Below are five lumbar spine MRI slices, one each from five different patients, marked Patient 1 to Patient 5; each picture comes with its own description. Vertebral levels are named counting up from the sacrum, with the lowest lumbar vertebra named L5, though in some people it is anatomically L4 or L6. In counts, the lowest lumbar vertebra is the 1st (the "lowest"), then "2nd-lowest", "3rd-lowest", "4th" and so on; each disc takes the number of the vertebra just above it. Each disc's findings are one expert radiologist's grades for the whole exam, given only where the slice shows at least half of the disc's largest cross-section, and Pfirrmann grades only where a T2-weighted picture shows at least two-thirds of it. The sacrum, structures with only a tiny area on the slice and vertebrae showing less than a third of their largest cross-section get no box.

Patient 1 of 5:
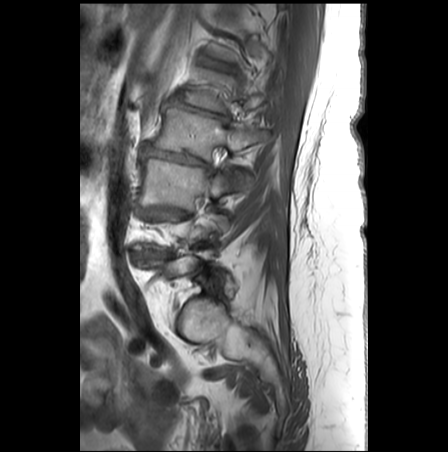 MRI lumbar spine (T1-weighted), sagittal plane.

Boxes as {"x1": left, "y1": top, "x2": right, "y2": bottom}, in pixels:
IVD L1/L2: {"x1": 170, "y1": 97, "x2": 229, "y2": 122}.
L1 vertebra: {"x1": 179, "y1": 68, "x2": 265, "y2": 112}.
T12/L1: {"x1": 207, "y1": 61, "x2": 230, "y2": 70}.
L2: {"x1": 148, "y1": 108, "x2": 267, "y2": 161}.
L3: {"x1": 139, "y1": 158, "x2": 230, "y2": 209}.
IVD L2/L3: {"x1": 143, "y1": 147, "x2": 210, "y2": 168}.

Expert MSK radiologist gradings (per disc):
• L2/L3: lower-endplate change, upper-endplate change, Modic type II, disc narrowing, disc bulging
• L1/L2: lower-endplate change, disc bulging, spondylolisthesis, upper-endplate change, disc narrowing, Modic type II

Patient 2 of 5:
320x320 px. SIEMENS Avanto_fit (1.5T). Lumbar spine MR, T1-weighted, sagittal.

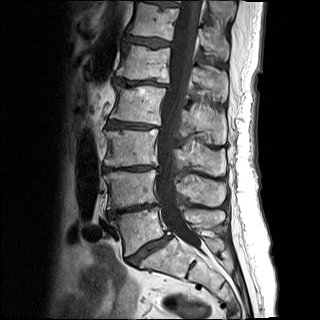

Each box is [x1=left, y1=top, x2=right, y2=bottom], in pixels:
L1/L2 at [x1=115, y1=78, x2=167, y2=86], intervertebral disc T11/T12 at [x1=152, y1=1, x2=178, y2=7], L4 at [x1=104, y1=170, x2=225, y2=209], L1 at [x1=116, y1=43, x2=227, y2=100], L3/L4 at [x1=104, y1=166, x2=153, y2=171], intervertebral disc L5/S1 at [x1=126, y1=236, x2=171, y2=264], L5 vertebra at [x1=115, y1=207, x2=224, y2=256], intervertebral disc L4/L5 at [x1=112, y1=204, x2=156, y2=216], T12/L1 at [x1=125, y1=36, x2=170, y2=47], T11 vertebra at [x1=208, y1=0, x2=235, y2=17], spinal canal at [x1=157, y1=0, x2=201, y2=247], intervertebral disc L2/L3 at [x1=107, y1=120, x2=155, y2=129], L2 at [x1=110, y1=85, x2=226, y2=144], T12 vertebra at [x1=127, y1=2, x2=229, y2=59], L3 vertebra at [x1=104, y1=129, x2=226, y2=175].

Per-level radiological findings:
• L2/L3: Modic type II, disc narrowing, disc bulging, upper-endplate change, lower-endplate change
• L5/S1: lower-endplate change, disc bulging, Modic type II, upper-endplate change, disc narrowing, spondylolisthesis
• T11/T12: disc bulging, upper-endplate change, Modic type II, lower-endplate change
• T12/L1: upper-endplate change, lower-endplate change, Modic type II, disc bulging
• L4/L5: upper-endplate change, lower-endplate change, Modic type II, disc narrowing, disc bulging
• L3/L4: upper-endplate change, Modic type II, disc narrowing, disc bulging, lower-endplate change
• L1/L2: upper-endplate change, disc narrowing, lower-endplate change, Modic type II, disc bulging

Patient 3 of 5:
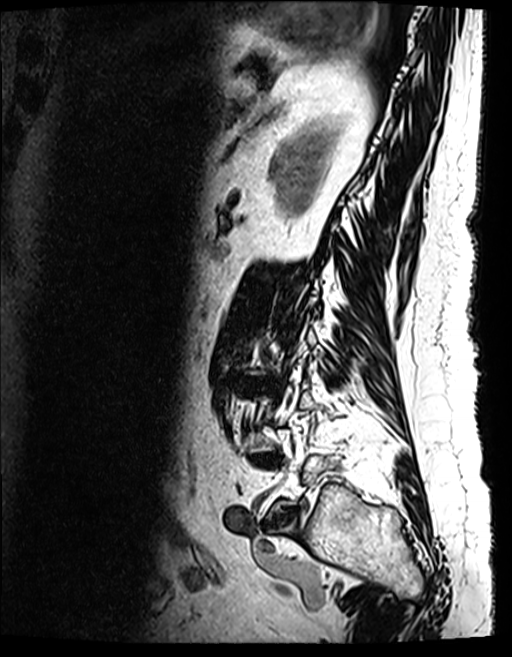

Field of view 240x308 mm. Slice 114/154. MRI lumbar spine (T2 SPACE (3D)), sagittal plane. 512x657 px.
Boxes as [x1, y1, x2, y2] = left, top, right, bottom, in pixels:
IVD L5/S1 — [267, 509, 297, 531].
IVD L4/L5 — [253, 455, 277, 464].

Patient 4 of 5:
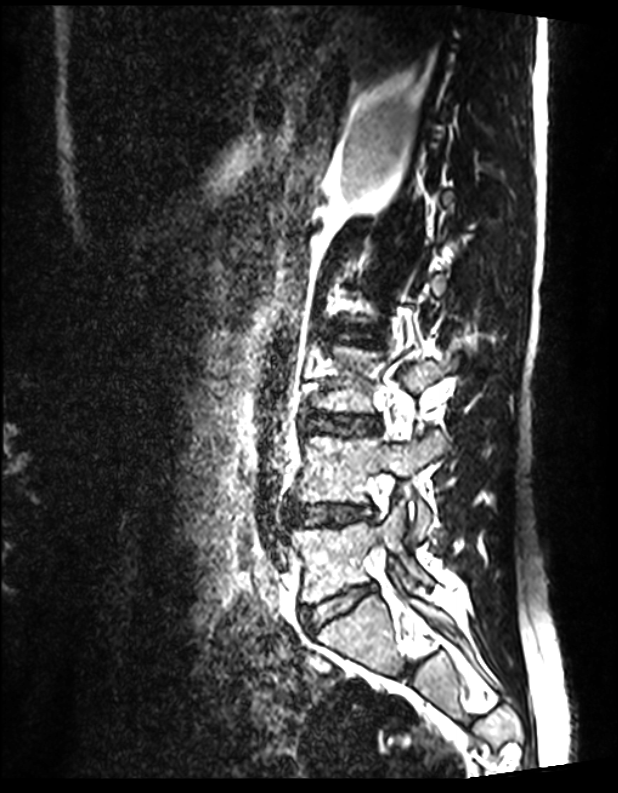 Patient sex: M; Sagittal T2 SPACE (3D) lumbar spine MRI; 618x793 px

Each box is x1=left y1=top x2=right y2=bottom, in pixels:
{"IVD L4/L5": "x1=290 y1=504 x2=372 y2=524", "IVD L5/S1": "x1=301 y1=584 x2=373 y2=632", "L3/L4": "x1=301 y1=413 x2=382 y2=436", "L5": "x1=289 y1=506 x2=432 y2=602", "L4 vertebra": "x1=295 y1=430 x2=439 y2=541", "L3": "x1=311 y1=346 x2=461 y2=412", "L2/L3": "x1=324 y1=326 x2=381 y2=344"}

Per-level radiological findings:
- L3/L4: Pfirrmann grade 1
- L5/S1, L4/L5: no Modic or endplate change, herniation, narrowing, bulging or spondylolisthesis recorded

Patient 5 of 5:
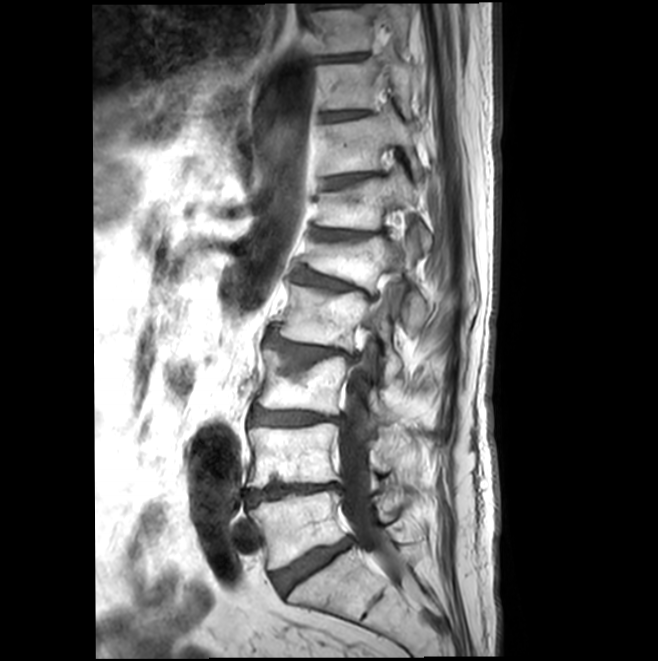
MRI lumbar spine (T1-weighted), sagittal plane; Slice 13 of 22
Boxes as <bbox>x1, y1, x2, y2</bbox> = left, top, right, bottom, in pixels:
{"IVD L5/S1": "<bbox>271, 538, 350, 594</bbox>", "L2/L3": "<bbox>265, 334, 352, 369</bbox>", "spinal canal": "<bbox>338, 243, 401, 578</bbox>", "L1": "<bbox>307, 224, 427, 323</bbox>", "IVD L3/L4": "<bbox>251, 409, 340, 424</bbox>", "T11/T12": "<bbox>324, 174, 373, 188</bbox>", "T9": "<bbox>308, 4, 409, 53</bbox>", "T10 vertebra": "<bbox>321, 52, 410, 114</bbox>", "L4": "<bbox>247, 423, 413, 488</bbox>", "T12/L1": "<bbox>314, 229, 371, 240</bbox>", "IVD T9/T10": "<bbox>324, 53, 363, 60</bbox>", "T12": "<bbox>316, 166, 431, 247</bbox>", "IVD L4/L5": "<bbox>245, 483, 338, 504</bbox>", "T11": "<bbox>323, 111, 423, 178</bbox>", "L3 vertebra": "<bbox>257, 347, 396, 422</bbox>", "T10/T11": "<bbox>323, 111, 366, 121</bbox>", "L5 vertebra": "<bbox>248, 490, 423, 569</bbox>", "L2 vertebra": "<bbox>275, 285, 403, 380</bbox>", "L1/L2": "<bbox>294, 270, 377, 299</bbox>"}

Per-level radiological findings:
  L2/L3: disc narrowing, upper-endplate change, Modic type II, disc bulging
  L3/L4: disc bulging, lower-endplate change, disc narrowing, upper-endplate change, Modic type II
  L5/S1: disc bulging, disc narrowing, Modic type II
  L4/L5: Modic type II, upper-endplate change, disc narrowing, disc bulging, lower-endplate change
  L1/L2: spondylolisthesis, upper-endplate change, Modic type II, disc narrowing, disc bulging
  T10/T11: no herniation, bulging, narrowing, spondylolisthesis, endplate or Modic change recorded